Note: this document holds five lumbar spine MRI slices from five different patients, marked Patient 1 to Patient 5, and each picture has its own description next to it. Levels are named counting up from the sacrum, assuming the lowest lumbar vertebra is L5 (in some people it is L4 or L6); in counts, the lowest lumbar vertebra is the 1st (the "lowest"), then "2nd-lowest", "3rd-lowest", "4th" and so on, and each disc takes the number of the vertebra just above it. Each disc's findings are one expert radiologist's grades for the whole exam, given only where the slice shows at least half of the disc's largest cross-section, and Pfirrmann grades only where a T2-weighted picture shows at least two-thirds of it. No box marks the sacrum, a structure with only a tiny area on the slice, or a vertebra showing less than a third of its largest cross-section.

Patient 1 of 5:
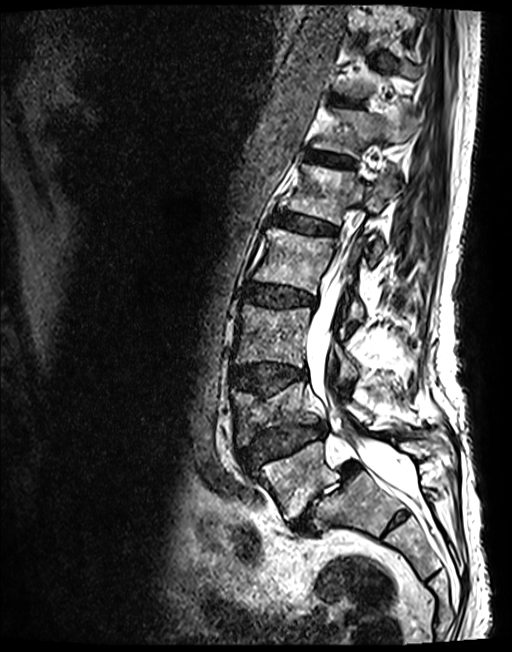 Image 512x652. MRI lumbar spine (T2 SPACE (3D)), sagittal plane. Slice 80 of 143. Field of view 240x306 mm.
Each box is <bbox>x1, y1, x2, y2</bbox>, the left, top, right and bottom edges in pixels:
L2 vertebra: <bbox>254, 227, 363, 322</bbox>.
L1/L2: <bbox>273, 213, 336, 235</bbox>.
Intervertebral disc T12/L1: <bbox>306, 151, 353, 166</bbox>.
L5: <bbox>253, 435, 447, 519</bbox>.
L4: <bbox>230, 383, 371, 446</bbox>.
L1 vertebra: <bbox>285, 165, 398, 262</bbox>.
L3 vertebra: <bbox>235, 305, 358, 380</bbox>.
Thecal sac / spinal canal: <bbox>306, 228, 416, 498</bbox>.
Intervertebral disc L2/L3: <bbox>246, 284, 315, 306</bbox>.
T12: <bbox>314, 110, 421, 156</bbox>.
L5/S1: <bbox>291, 461, 359, 535</bbox>.
Intervertebral disc L4/L5: <bbox>240, 424, 325, 468</bbox>.
T11/T12: <bbox>333, 96, 362, 105</bbox>.
Intervertebral disc L3/L4: <bbox>230, 364, 306, 395</bbox>.

Degenerative findings by level:
• L1/L2: Pfirrmann grade 3
• L5/S1: Pfirrmann grade 5, Modic type II, disc herniation, spondylolisthesis, disc narrowing
• L4/L5: Pfirrmann grade 3, lower-endplate change, spondylolisthesis, disc herniation, upper-endplate change, disc narrowing
• L3/L4: Pfirrmann grade 3, lower-endplate change, upper-endplate change, disc bulging
• L2/L3: Pfirrmann grade 3, disc bulging
• T12/L1: no Modic or endplate change, herniation, narrowing, bulging or spondylolisthesis recorded

Patient 2 of 5:
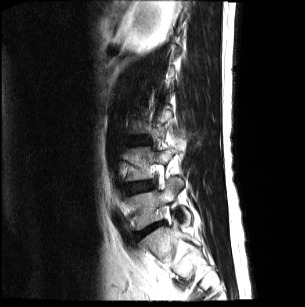

MRI lumbar spine (T2-weighted), sagittal plane, Sex M, Field of view 264x266 mm

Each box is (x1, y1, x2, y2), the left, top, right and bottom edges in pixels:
Annotations:
- L5/S1 (lowest disc) — (136, 222, 162, 236)
- IVD L4/L5 (2nd-lowest disc) — (129, 181, 154, 192)
- L5 (lowest vertebra) — (128, 178, 191, 229)

Degenerative findings by level:
• L4/L5 (2nd-lowest disc): disc bulging

Patient 3 of 5:
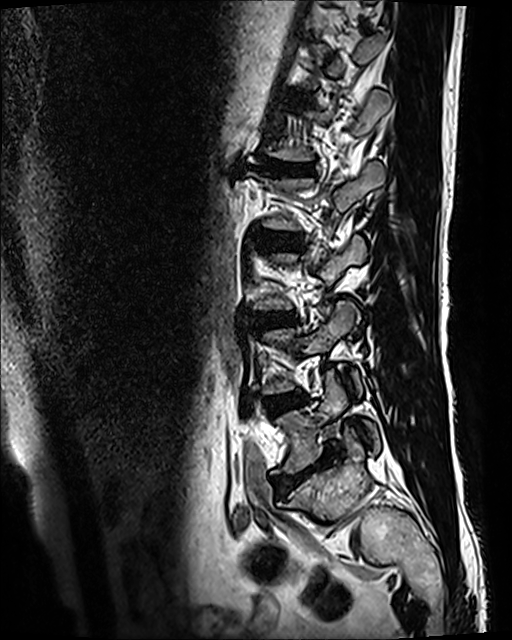

T2 SPACE (3D) sagittal MRI of the lumbar spine

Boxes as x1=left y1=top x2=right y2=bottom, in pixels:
L4/L5 (2nd-lowest disc) at x1=265 y1=394 x2=300 y2=413, L5 (lowest vertebra) at x1=272 y1=374 x2=379 y2=473, L5/S1 (lowest disc) at x1=274 y1=446 x2=341 y2=489, disc L2/L3 (4th disc) at x1=259 y1=230 x2=300 y2=248, L4 (2nd-lowest vertebra) at x1=262 y1=300 x2=362 y2=395, disc L3/L4 (3rd-lowest disc) at x1=255 y1=309 x2=296 y2=327, disc L1/L2 (5th disc) at x1=256 y1=160 x2=314 y2=174.

Degenerative findings by level:
  L1/L2 (5th disc): Modic type II, lower-endplate change, upper-endplate change, disc bulging, disc narrowing
  L5/S1 (lowest disc): disc narrowing, lower-endplate change, upper-endplate change, disc bulging, Modic type II

Patient 4 of 5:
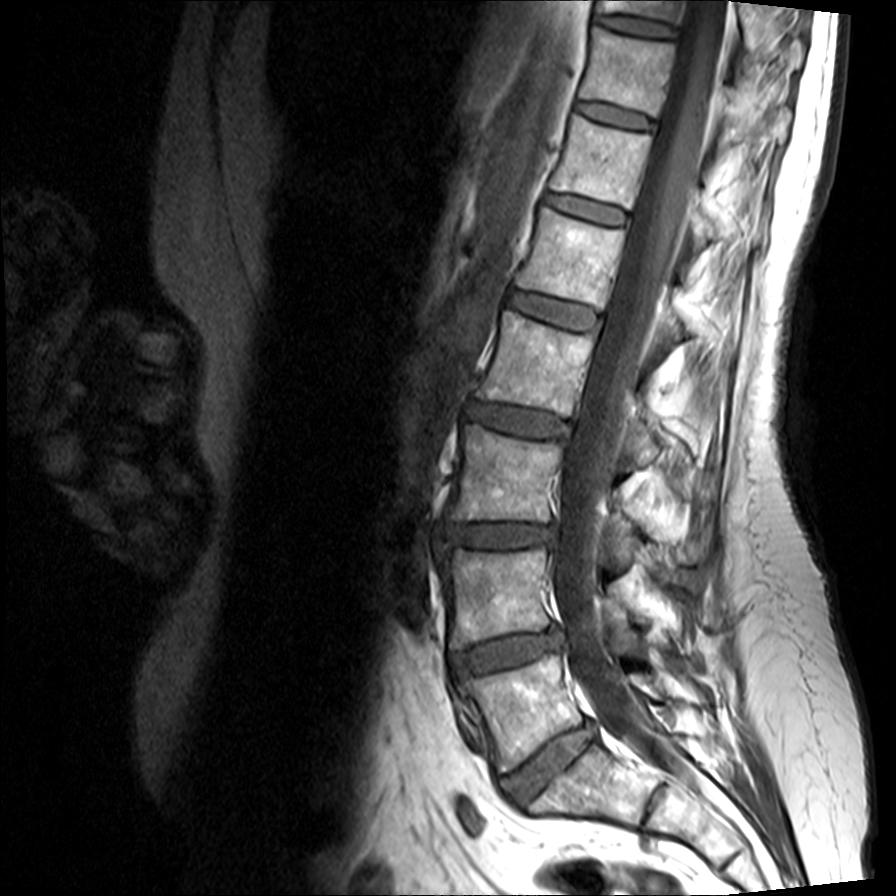 Sagittal T1-weighted lumbar spine MRI | Field of view 280x280 mm, slice spacing 4.4 mm | Slice 8/15

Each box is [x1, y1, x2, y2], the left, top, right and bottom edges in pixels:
T11/T12 at [576, 100, 656, 130].
Disc L2/L3 at [469, 402, 574, 438].
Disc L5/S1 at [499, 723, 597, 805].
T12/L1 at [546, 195, 627, 224].
T12 vertebra at [551, 116, 762, 246].
Spinal canal at [553, 0, 729, 876].
L3 vertebra at [449, 423, 688, 542].
T11 vertebra at [580, 25, 787, 140].
L2 at [478, 310, 664, 461].
L4 at [442, 548, 681, 648].
L1/L2 at [509, 291, 602, 330].
L4/L5 at [450, 627, 564, 678].
T10 vertebra at [597, 0, 798, 61].
L5 at [459, 654, 667, 771].
L3/L4 at [444, 523, 556, 546].
L1 at [517, 206, 727, 338].
Disc T10/T11 at [595, 14, 679, 38].

Per-level radiological findings:
  L4/L5: disc herniation, disc bulging, disc narrowing, Modic type II
  L5/S1: disc bulging, disc narrowing
  L3/L4: disc narrowing, lower-endplate change, disc bulging, upper-endplate change
  L2/L3: disc bulging
  T11/T12, L1/L2, T10/T11, T12/L1: no herniation, bulging, narrowing, spondylolisthesis, endplate or Modic change recorded

Patient 5 of 5:
Lumbar spine MR, T1-weighted, sagittal, Slice 20/25, Field of view 280x281 mm, slice spacing 3.3 mm

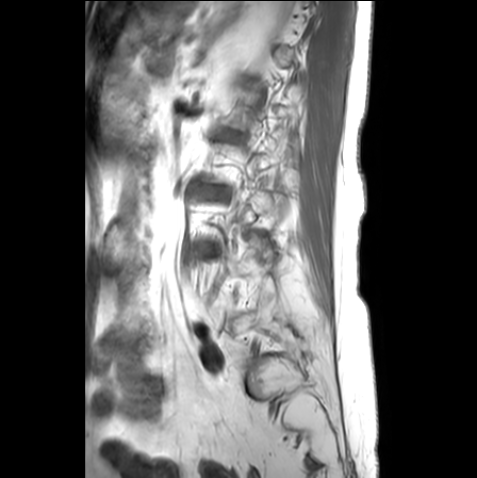

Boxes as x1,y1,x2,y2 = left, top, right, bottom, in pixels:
Annotations:
* L1/L2 (5th disc) at 217,132,241,141
* disc L2/L3 (4th disc) at 194,185,230,199

Degenerative findings by level:
• L2/L3 (4th disc): upper-endplate change, lower-endplate change, disc bulging